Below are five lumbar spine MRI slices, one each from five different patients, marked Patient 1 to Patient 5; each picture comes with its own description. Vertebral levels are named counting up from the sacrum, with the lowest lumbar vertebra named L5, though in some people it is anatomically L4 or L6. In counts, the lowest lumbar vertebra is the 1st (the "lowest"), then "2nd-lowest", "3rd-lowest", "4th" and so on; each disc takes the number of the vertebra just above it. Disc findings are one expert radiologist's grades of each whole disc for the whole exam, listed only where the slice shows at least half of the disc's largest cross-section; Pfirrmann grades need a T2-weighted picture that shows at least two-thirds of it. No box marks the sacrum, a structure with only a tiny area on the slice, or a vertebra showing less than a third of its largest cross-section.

Patient 1 of 5:
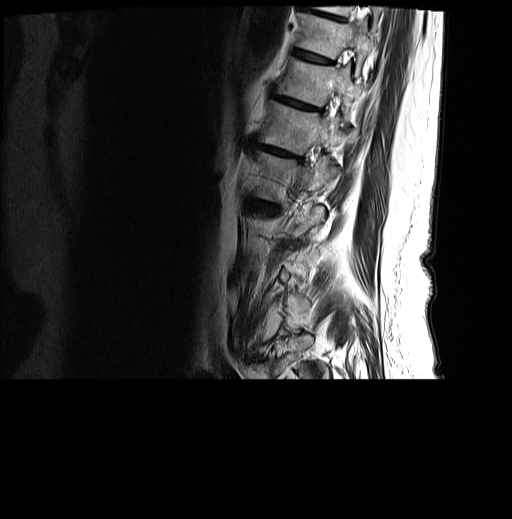 Image 512x519; T2-weighted sagittal MRI of the lumbar spine; Slice spacing 3.2 mm; Slice 6/27

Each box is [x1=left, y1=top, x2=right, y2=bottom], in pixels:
9th vertebra = [x1=313, y1=6, x2=382, y2=25].
7th disc = [x1=273, y1=95, x2=319, y2=110].
6th vertebra = [x1=259, y1=101, x2=345, y2=154].
9th disc = [x1=298, y1=0, x2=344, y2=21].
8th disc = [x1=294, y1=50, x2=331, y2=63].
5th vertebra = [x1=256, y1=152, x2=340, y2=200].
8th vertebra = [x1=297, y1=13, x2=373, y2=72].
7th vertebra = [x1=276, y1=58, x2=363, y2=116].
6th disc = [x1=256, y1=143, x2=302, y2=161].

Expert MSK radiologist gradings (per disc):
• 6th disc: Pfirrmann grade 4, lower-endplate change, Modic type II, upper-endplate change, disc bulging, disc narrowing
• 9th disc: Pfirrmann grade 4, lower-endplate change, Modic type II, disc bulging, upper-endplate change
• 7th disc: Pfirrmann grade 5, upper-endplate change, disc narrowing, disc bulging, Modic type II, lower-endplate change
• 8th disc: Pfirrmann grade 4, upper-endplate change, lower-endplate change, Modic type II

Patient 2 of 5:
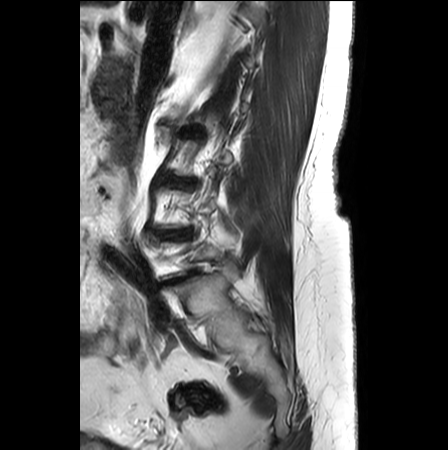
Image 448x450, Sagittal T2-weighted lumbar spine MRI

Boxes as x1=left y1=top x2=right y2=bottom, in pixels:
Intervertebral disc L4/L5 — x1=163 y1=229 x2=190 y2=239.
L3/L4 — x1=168 y1=177 x2=194 y2=190.
L5/S1 — x1=170 y1=271 x2=194 y2=282.

Radiological gradings:
• L3/L4: upper-endplate change, disc bulging, disc narrowing, lower-endplate change, Modic type II

Patient 3 of 5:
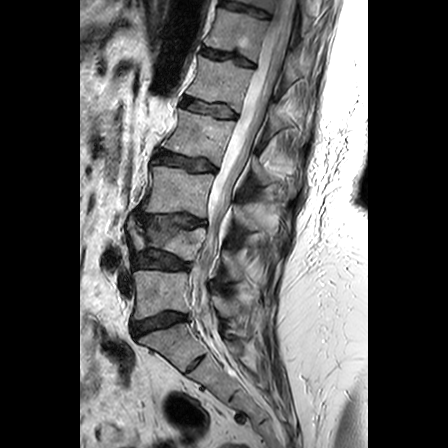 Slice 13/24, MRI lumbar spine (T2-weighted), sagittal plane

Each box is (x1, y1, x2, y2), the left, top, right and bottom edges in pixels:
6th disc at (202, 48, 253, 66), lowest vertebra at (132, 269, 237, 319), 2nd-lowest vertebra at (127, 217, 242, 279), 5th vertebra at (186, 55, 308, 142), 7th disc at (221, 0, 270, 18), 3rd-lowest vertebra at (143, 165, 266, 230), 5th disc at (182, 98, 236, 117), 4th disc at (155, 151, 215, 171), 2nd-lowest disc at (133, 250, 189, 269), 3rd-lowest disc at (137, 214, 205, 227), lowest disc at (131, 312, 187, 336), 7th vertebra at (238, 0, 311, 29), 4th vertebra at (162, 108, 300, 196), 6th vertebra at (204, 8, 299, 84), spinal canal at (191, 0, 295, 333).

Degenerative findings by level:
• 4th disc: Pfirrmann grade 3, lower-endplate change, upper-endplate change
• lowest disc: Pfirrmann grade 3, disc bulging
• 5th disc: Pfirrmann grade 2, upper-endplate change
• 2nd-lowest disc: Pfirrmann grade 3, lower-endplate change, disc bulging
• 6th disc: Pfirrmann grade 3, upper-endplate change, lower-endplate change
• 7th disc: Pfirrmann grade 3, lower-endplate change
• 3rd-lowest disc: Pfirrmann grade 3, disc bulging, lower-endplate change, upper-endplate change

Patient 4 of 5:
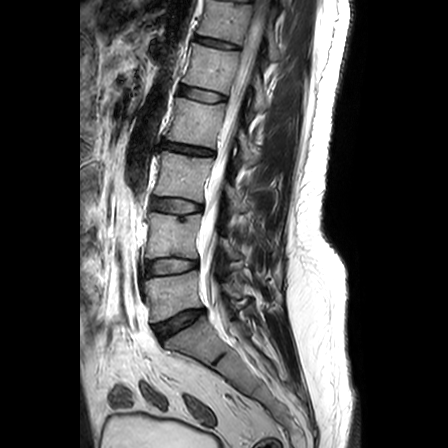

Sagittal slice index 14 | MRI lumbar spine (T2-weighted), sagittal plane

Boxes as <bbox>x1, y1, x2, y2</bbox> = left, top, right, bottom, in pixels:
Annotations:
• L3 vertebra: <bbox>154, 151, 244, 215</bbox>
• T12 vertebra: <bbox>198, 0, 281, 61</bbox>
• intervertebral disc L1/L2: <bbox>180, 86, 226, 101</bbox>
• spinal canal: <bbox>201, 1, 266, 328</bbox>
• intervertebral disc L3/L4: <bbox>152, 198, 201, 213</bbox>
• L1 vertebra: <bbox>183, 43, 268, 110</bbox>
• L4: <bbox>146, 212, 239, 258</bbox>
• L5 vertebra: <bbox>144, 270, 242, 322</bbox>
• T12/L1: <bbox>195, 35, 238, 48</bbox>
• L2 vertebra: <bbox>166, 98, 256, 166</bbox>
• L5/S1: <bbox>154, 310, 204, 340</bbox>
• L4/L5: <bbox>147, 258, 197, 275</bbox>
• L2/L3: <bbox>162, 142, 213, 155</bbox>

Radiological gradings:
• L4/L5: Pfirrmann grade 2, lower-endplate change
• T12/L1: Pfirrmann grade 2, upper-endplate change, lower-endplate change
• L5/S1: Pfirrmann grade 3, disc herniation
• L1/L2: Pfirrmann grade 1
• L3/L4: Pfirrmann grade 2, upper-endplate change
• L2/L3: Pfirrmann grade 4, disc narrowing, upper-endplate change, disc bulging, lower-endplate change

Patient 5 of 5:
Sagittal T1-weighted lumbar spine MRI; SIEMENS Avanto_fit (1.5T); Sagittal slice index 12

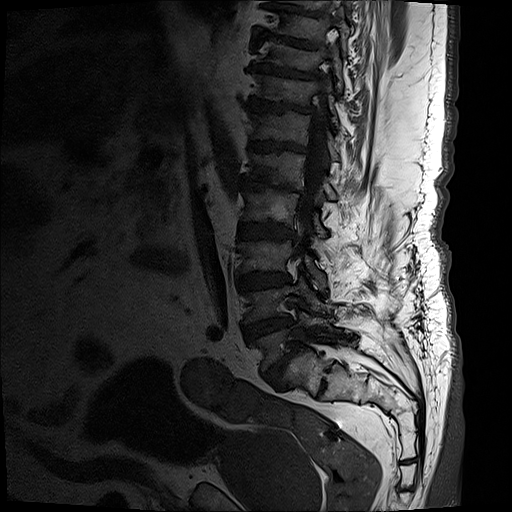
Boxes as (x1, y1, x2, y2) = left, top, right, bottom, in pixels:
8th vertebra: (257, 38, 342, 92).
Lowest vertebra: (251, 304, 341, 370).
2nd-lowest vertebra: (243, 271, 326, 322).
9th disc: (263, 36, 318, 49).
3rd-lowest disc: (238, 271, 290, 289).
3rd-lowest vertebra: (238, 236, 326, 291).
Spinal canal: (299, 117, 325, 226).
Lowest disc: (263, 339, 301, 384).
4th vertebra: (241, 189, 329, 238).
5th vertebra: (244, 150, 334, 200).
2nd-lowest disc: (240, 317, 294, 341).
7th disc: (247, 97, 314, 113).
8th disc: (248, 61, 321, 81).
5th disc: (237, 180, 306, 196).
7th vertebra: (253, 73, 337, 125).
6th vertebra: (251, 110, 338, 159).
6th disc: (248, 139, 307, 153).
4th disc: (239, 223, 293, 237).

Expert MSK radiologist gradings (per disc):
  8th disc: disc bulging, disc narrowing, upper-endplate change, lower-endplate change, Modic type II
  9th disc: upper-endplate change, Modic type II, disc bulging, disc narrowing, lower-endplate change
  3rd-lowest disc: disc bulging, upper-endplate change, disc narrowing, lower-endplate change, Modic type II
  6th disc: disc narrowing, disc bulging, Modic type II, lower-endplate change, upper-endplate change
  5th disc: disc bulging, lower-endplate change, disc narrowing, Modic type II, upper-endplate change
  lowest disc: spondylolisthesis, disc narrowing, lower-endplate change, upper-endplate change, disc bulging, Modic type II
  4th disc: Modic type II, lower-endplate change, disc narrowing, disc bulging, upper-endplate change
  2nd-lowest disc: disc narrowing, disc bulging, lower-endplate change, Modic type II, upper-endplate change
  7th disc: disc bulging, disc narrowing, Modic type II, upper-endplate change, lower-endplate change